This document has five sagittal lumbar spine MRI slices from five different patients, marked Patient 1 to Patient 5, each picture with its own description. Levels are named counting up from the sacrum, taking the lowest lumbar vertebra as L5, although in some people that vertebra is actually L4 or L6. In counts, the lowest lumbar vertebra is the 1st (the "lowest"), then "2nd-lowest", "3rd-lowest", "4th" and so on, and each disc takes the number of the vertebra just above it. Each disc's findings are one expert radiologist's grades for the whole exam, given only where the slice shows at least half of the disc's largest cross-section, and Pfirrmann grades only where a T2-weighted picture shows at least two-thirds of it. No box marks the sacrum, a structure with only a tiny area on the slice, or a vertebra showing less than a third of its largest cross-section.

Patient 1 of 5:
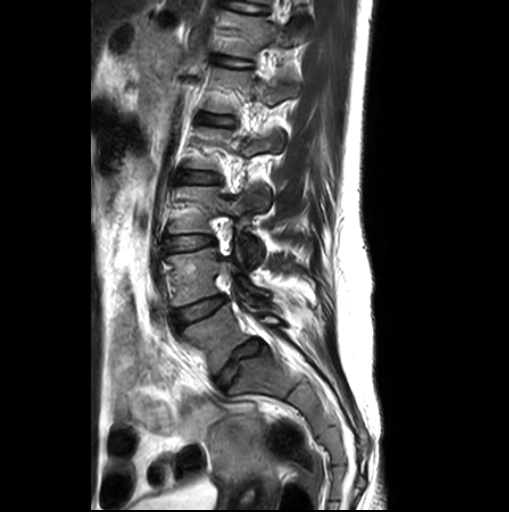 Slice 9 of 26; Lumbar spine MR, T2-weighted, sagittal

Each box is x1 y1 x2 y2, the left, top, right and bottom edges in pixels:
{"T12 vertebra": "223 12 313 56", "L4/L5": "174 296 226 326", "L5 vertebra": "184 302 286 374", "L5/S1": "216 339 264 387", "L4": "168 248 268 305", "IVD L3/L4": "163 235 213 252", "L3 vertebra": "169 187 263 268", "IVD L2/L3": "172 168 217 185", "L2 vertebra": "189 128 272 211", "L1": "205 69 299 152", "IVD L1/L2": "198 113 234 126", "T12/L1": "215 56 250 67"}

Degenerative findings by level:
  L5/S1: Pfirrmann grade 3, upper-endplate change, disc bulging, lower-endplate change
  L4/L5: Pfirrmann grade 1, disc bulging
  L3/L4: disc bulging
  T12/L1, L2/L3, L1/L2: no spondylolisthesis, narrowing, bulging, herniation, Modic or endplate change recorded

Patient 2 of 5:
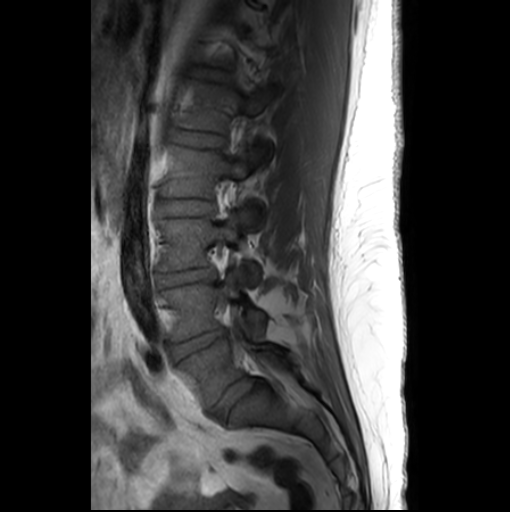 Patient sex: F; Slice 9/26; Sagittal T1-weighted lumbar spine MRI
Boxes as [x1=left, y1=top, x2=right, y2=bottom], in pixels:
L5 vertebra at [x1=176, y1=339, x2=290, y2=407], L3 vertebra at [x1=158, y1=213, x2=261, y2=285], intervertebral disc T12/L1 at [x1=192, y1=68, x2=230, y2=80], L1 at [x1=176, y1=81, x2=274, y2=132], intervertebral disc L5/S1 at [x1=212, y1=378, x2=262, y2=417], intervertebral disc L1/L2 at [x1=169, y1=130, x2=224, y2=148], L2 vertebra at [x1=160, y1=146, x2=270, y2=230], intervertebral disc L3/L4 at [x1=157, y1=268, x2=214, y2=287], L4 at [x1=160, y1=269, x2=266, y2=341], L4/L5 at [x1=171, y1=329, x2=226, y2=359], L2/L3 at [x1=157, y1=200, x2=213, y2=216].

Expert MSK radiologist gradings (per disc):
- L4/L5: disc bulging, disc narrowing
- L3/L4: disc bulging, disc narrowing
- L5/S1: disc bulging
- L1/L2, L2/L3, T12/L1: no spondylolisthesis, narrowing, bulging, herniation, Modic or endplate change recorded

Patient 3 of 5:
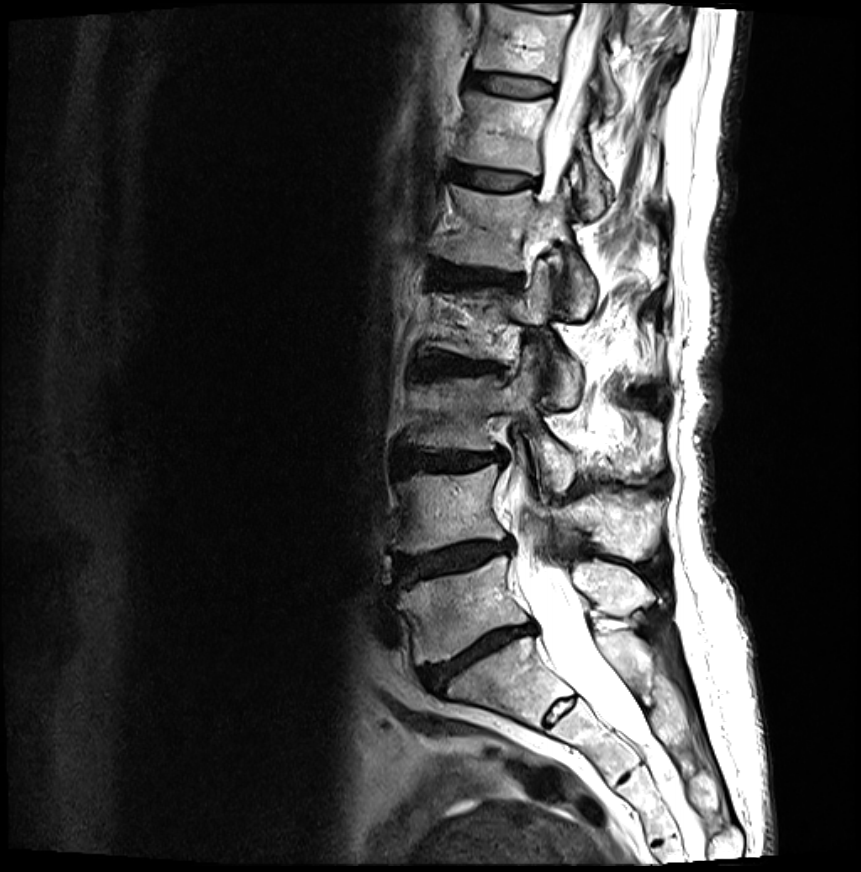
MRI lumbar spine (T2-weighted), sagittal plane; Patient sex: F; Slice 11 of 27; Image 861x872

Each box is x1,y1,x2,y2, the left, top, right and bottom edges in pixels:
T12/L1: 451,166,532,189.
L2 vertebra: 434,264,581,408.
L4/L5: 397,540,512,584.
L1/L2: 434,266,517,286.
L3/L4: 393,448,505,473.
L1 vertebra: 444,185,596,318.
IVD T11/T12: 467,73,550,96.
T11 vertebra: 474,6,619,115.
T12: 457,94,611,219.
IVD L5/S1: 422,624,532,690.
IVD L2/L3: 420,357,495,373.
L5 vertebra: 398,557,653,665.
L4: 393,447,658,560.
Thecal sac / spinal canal: 511,4,641,740.
L3 vertebra: 405,349,661,492.

Radiological gradings:
  L3/L4: Pfirrmann grade 4, lower-endplate change, disc narrowing, disc bulging, upper-endplate change, Modic type II
  L4/L5: Pfirrmann grade 4, Modic type II, disc herniation, lower-endplate change, upper-endplate change, disc bulging, disc narrowing
  L1/L2: Pfirrmann grade 4, disc narrowing, disc bulging, Modic type II, upper-endplate change, lower-endplate change
  T11/T12: Pfirrmann grade 2, upper-endplate change, Modic type II, lower-endplate change
  T12/L1: Pfirrmann grade 2, upper-endplate change, Modic type II, lower-endplate change
  L5/S1: Pfirrmann grade 5, disc bulging, disc narrowing, upper-endplate change, Modic type II, lower-endplate change

Patient 4 of 5:
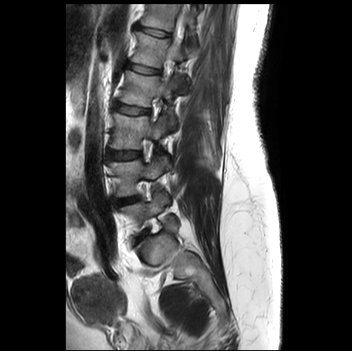
Patient sex: F. T2-weighted sagittal MRI of the lumbar spine. Image 352x351.

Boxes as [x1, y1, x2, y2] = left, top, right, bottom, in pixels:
6th disc at [136, 25, 170, 36], 5th disc at [127, 62, 160, 73], spinal canal at [170, 4, 189, 60], 2nd-lowest vertebra at [108, 158, 170, 196], 6th vertebra at [141, 4, 196, 43], 4th disc at [114, 102, 149, 114], 4th vertebra at [120, 71, 176, 128], lowest vertebra at [120, 193, 168, 223], 5th vertebra at [131, 32, 195, 91], 3rd-lowest disc at [106, 149, 140, 160], 2nd-lowest disc at [114, 196, 138, 204], 3rd-lowest vertebra at [110, 113, 166, 148].

Degenerative findings by level:
• 3rd-lowest disc: Pfirrmann grade 1
• 4th disc: Pfirrmann grade 1
• 6th disc: Pfirrmann grade 1
• 5th disc: Pfirrmann grade 1

Patient 5 of 5:
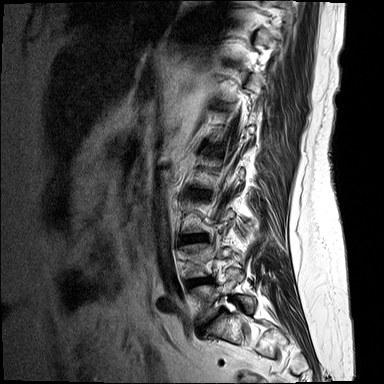 T2-weighted sagittal MRI of the lumbar spine

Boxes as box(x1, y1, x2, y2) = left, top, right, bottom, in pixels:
L4/L5: box(186, 279, 208, 286).
L2/L3: box(190, 190, 206, 195).
IVD L3/L4: box(179, 235, 203, 242).
L5/S1: box(198, 309, 223, 331).
L5: box(191, 270, 254, 320).

Radiological gradings:
  L5/S1: disc narrowing, disc bulging, Modic type II